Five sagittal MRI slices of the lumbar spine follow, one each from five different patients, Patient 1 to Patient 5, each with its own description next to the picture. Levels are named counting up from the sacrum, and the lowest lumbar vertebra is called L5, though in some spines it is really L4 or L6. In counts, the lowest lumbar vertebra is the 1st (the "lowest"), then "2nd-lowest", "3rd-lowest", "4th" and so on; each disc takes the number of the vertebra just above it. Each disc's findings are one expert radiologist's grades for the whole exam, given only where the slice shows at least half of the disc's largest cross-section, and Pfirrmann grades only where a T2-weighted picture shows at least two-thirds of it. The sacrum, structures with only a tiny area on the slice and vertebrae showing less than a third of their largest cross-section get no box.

Patient 1 of 5:
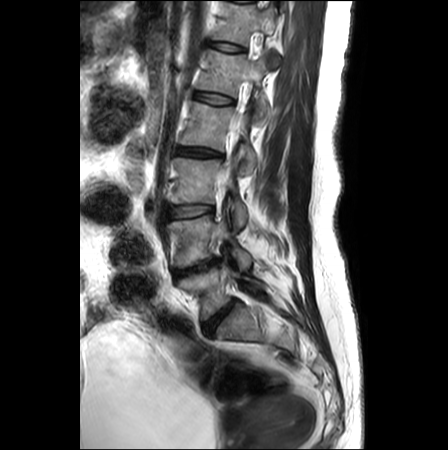 T2-weighted sagittal MRI of the lumbar spine, Image 448x450, Slice 10 of 26
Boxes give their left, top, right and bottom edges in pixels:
L4 vertebra at left=163, top=214, right=251, bottom=268; thecal sac / spinal canal at left=220, top=48, right=258, bottom=182; L3/L4 at left=167, top=205, right=212, bottom=218; L1 vertebra at left=197, top=50, right=269, bottom=116; L1/L2 at left=193, top=92, right=232, bottom=104; L4/L5 at left=175, top=259, right=216, bottom=277; L5 at left=178, top=264, right=264, bottom=320; IVD L2/L3 at left=175, top=147, right=220, bottom=156; T12 at left=213, top=3, right=281, bottom=68; L2 at left=180, top=101, right=256, bottom=172; L5/S1 at left=203, top=301, right=236, bottom=334; IVD T12/L1 at left=208, top=41, right=243, bottom=51; L3 vertebra at left=171, top=157, right=248, bottom=230.

Expert MSK radiologist gradings (per disc):
  L1/L2: Pfirrmann grade 1
  L2/L3: Pfirrmann grade 3, disc bulging
  L3/L4: Pfirrmann grade 1, disc bulging
  T12/L1: Pfirrmann grade 1
  L5/S1: no herniation, bulging, narrowing, spondylolisthesis, endplate or Modic change recorded

Patient 2 of 5:
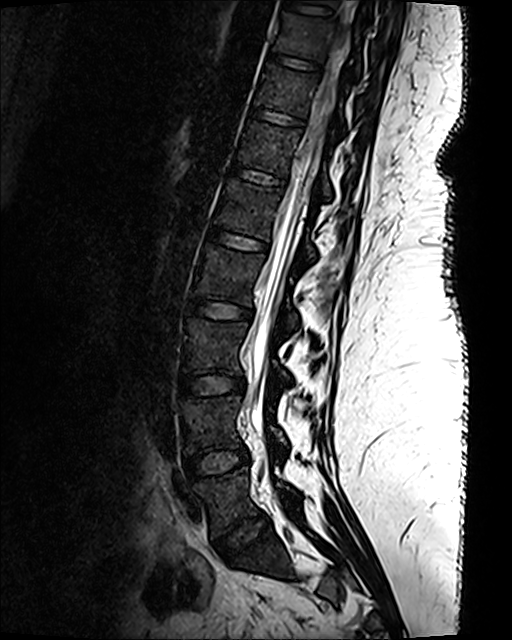
MRI lumbar spine (T2 SPACE (3D)), sagittal plane.

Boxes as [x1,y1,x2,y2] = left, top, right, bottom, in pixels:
7th disc — [251,107,302,126].
3rd-lowest disc — [179,374,245,396].
7th vertebra — [256,64,344,133].
3rd-lowest vertebra — [183,317,290,380].
Thecal sac / spinal canal — [248,2,354,469].
6th disc — [230,164,284,185].
5th vertebra — [214,179,315,263].
5th disc — [209,228,266,250].
2nd-lowest vertebra — [179,394,288,453].
4th vertebra — [193,244,299,331].
2nd-lowest disc — [185,446,249,479].
6th vertebra — [237,121,332,200].
8th vertebra — [275,11,360,76].
Lowest disc — [215,513,269,561].
8th disc — [269,52,320,72].
4th disc — [188,298,252,319].
Lowest vertebra — [192,467,298,537].

Expert MSK radiologist gradings (per disc):
• lowest disc: Pfirrmann grade 1
• 6th disc: Pfirrmann grade 1
• 4th disc: Pfirrmann grade 1
• 3rd-lowest disc: Pfirrmann grade 1
• 7th disc: Pfirrmann grade 1
• 5th disc: Pfirrmann grade 1
• 8th disc: Pfirrmann grade 1
• 2nd-lowest disc: Pfirrmann grade 1

Patient 3 of 5:
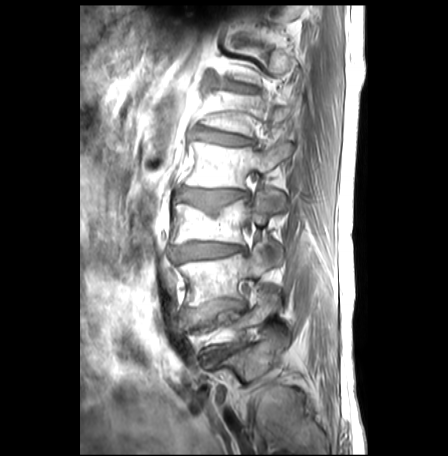 T1-weighted sagittal MRI of the lumbar spine | 448x456 px
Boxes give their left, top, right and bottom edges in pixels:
L3 (3rd-lowest vertebra) — left=171, top=192, right=283, bottom=262.
Disc L3/L4 (3rd-lowest disc) — left=168, top=242, right=242, bottom=263.
L4 (2nd-lowest vertebra) — left=178, top=242, right=270, bottom=305.
Thecal sac / spinal canal — left=243, top=210, right=252, bottom=224.
L4/L5 (2nd-lowest disc) — left=200, top=302, right=244, bottom=318.
L1 (5th vertebra) — left=200, top=93, right=300, bottom=137.
Disc L2/L3 (4th disc) — left=180, top=189, right=247, bottom=213.
L1/L2 (5th disc) — left=194, top=131, right=252, bottom=145.
T12/L1 (6th disc) — left=224, top=83, right=256, bottom=93.
L2 (4th vertebra) — left=185, top=140, right=290, bottom=210.

Radiological gradings:
- L3/L4 (3rd-lowest disc): disc bulging, lower-endplate change, Modic type II, upper-endplate change, disc narrowing
- L2/L3 (4th disc): upper-endplate change, disc narrowing, disc bulging, lower-endplate change, Modic type II
- L1/L2 (5th disc): disc bulging, lower-endplate change, Modic type II, upper-endplate change

Patient 4 of 5:
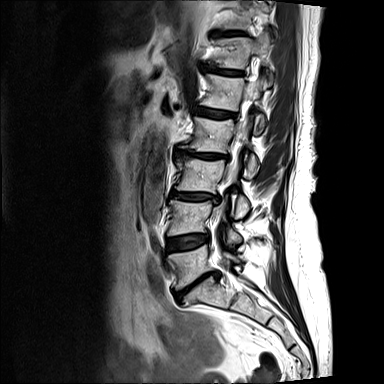

Lumbar spine MR, T2-weighted, sagittal
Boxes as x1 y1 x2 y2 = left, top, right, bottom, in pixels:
{"L4/L5 (2nd-lowest disc)": "167 234 209 251", "L4 (2nd-lowest vertebra)": "167 200 241 242", "L2 (4th vertebra)": "180 116 259 178", "T11 (7th vertebra)": "217 0 270 29", "disc T12/L1 (6th disc)": "203 65 244 76", "thecal sac / spinal canal": "219 62 259 217", "disc L3/L4 (3rd-lowest disc)": "171 191 219 202", "L3 (3rd-lowest vertebra)": "175 157 249 217", "disc L5/S1 (lowest disc)": "175 272 219 300", "L1 (5th vertebra)": "200 73 272 134", "T12 (6th vertebra)": "208 31 272 69", "T11/T12 (7th disc)": "210 30 246 37", "L5 (lowest vertebra)": "169 245 241 289", "disc L2/L3 (4th disc)": "175 150 228 159", "disc L1/L2 (5th disc)": "194 106 236 119"}

Radiological gradings:
• L3/L4 (3rd-lowest disc): Pfirrmann grade 4, disc bulging, disc narrowing, Modic type II, lower-endplate change, upper-endplate change
• T11/T12 (7th disc): Pfirrmann grade 3, upper-endplate change, Modic type II, lower-endplate change, disc bulging, disc narrowing
• T12/L1 (6th disc): Pfirrmann grade 3, lower-endplate change, upper-endplate change, disc bulging, Modic type III, disc narrowing
• L4/L5 (2nd-lowest disc): Pfirrmann grade 3, Modic type II, disc bulging, upper-endplate change, lower-endplate change
• L1/L2 (5th disc): Pfirrmann grade 3, lower-endplate change, upper-endplate change, disc bulging, Modic type II
• L5/S1 (lowest disc): Modic type II, disc bulging, lower-endplate change, upper-endplate change, disc narrowing
• L2/L3 (4th disc): Pfirrmann grade 5, lower-endplate change, disc narrowing, upper-endplate change, disc bulging, Modic type III

Patient 5 of 5:
MRI lumbar spine (T1-weighted), sagittal plane; Philips Healthcare Ingenia (3T)
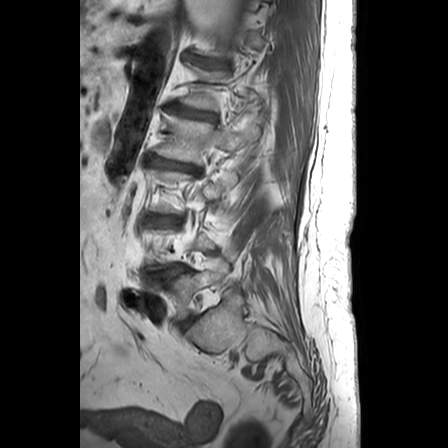
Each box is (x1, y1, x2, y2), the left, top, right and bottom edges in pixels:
L2 vertebra at (155, 115, 259, 165), L5/S1 at (181, 318, 193, 328), disc L4/L5 at (147, 265, 187, 280), L3/L4 at (151, 216, 175, 223), disc L2/L3 at (147, 156, 198, 175), L5 at (155, 258, 228, 319), L1/L2 at (169, 106, 214, 120), disc T12/L1 at (188, 55, 228, 69).

Degenerative findings by level:
- L2/L3: Modic type II, disc narrowing, disc bulging, spondylolisthesis
- T12/L1: disc narrowing
- L1/L2: Modic type II, disc narrowing
- L4/L5: disc narrowing, disc bulging